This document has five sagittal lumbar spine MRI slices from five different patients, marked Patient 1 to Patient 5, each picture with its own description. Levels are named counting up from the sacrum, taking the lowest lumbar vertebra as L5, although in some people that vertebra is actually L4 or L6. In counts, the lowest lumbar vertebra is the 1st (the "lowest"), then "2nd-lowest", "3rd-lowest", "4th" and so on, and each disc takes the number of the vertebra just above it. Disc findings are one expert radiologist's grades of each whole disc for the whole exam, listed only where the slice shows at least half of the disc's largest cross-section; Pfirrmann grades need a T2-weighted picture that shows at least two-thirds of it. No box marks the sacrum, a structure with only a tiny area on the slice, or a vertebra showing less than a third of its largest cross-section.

Patient 1 of 5:
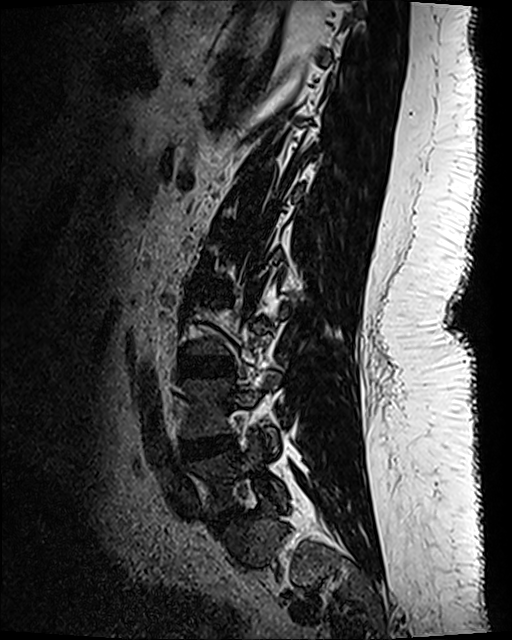

Slice 33/120, Patient sex: F, T2 SPACE (3D) sagittal MRI of the lumbar spine

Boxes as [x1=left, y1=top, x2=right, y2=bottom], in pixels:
L5/S1 (lowest disc) at [x1=209, y1=504, x2=238, y2=526], disc L4/L5 (2nd-lowest disc) at [x1=182, y1=436, x2=233, y2=460], L4 (2nd-lowest vertebra) at [x1=181, y1=372, x2=281, y2=452], L5 (lowest vertebra) at [x1=190, y1=440, x2=287, y2=512], disc L2/L3 (4th disc) at [x1=196, y1=280, x2=229, y2=296], disc L3/L4 (3rd-lowest disc) at [x1=180, y1=355, x2=233, y2=377].

Radiological gradings:
  L4/L5 (2nd-lowest disc): disc narrowing, disc bulging
  L3/L4 (3rd-lowest disc): no herniation, bulging, narrowing, spondylolisthesis, endplate or Modic change recorded

Patient 2 of 5:
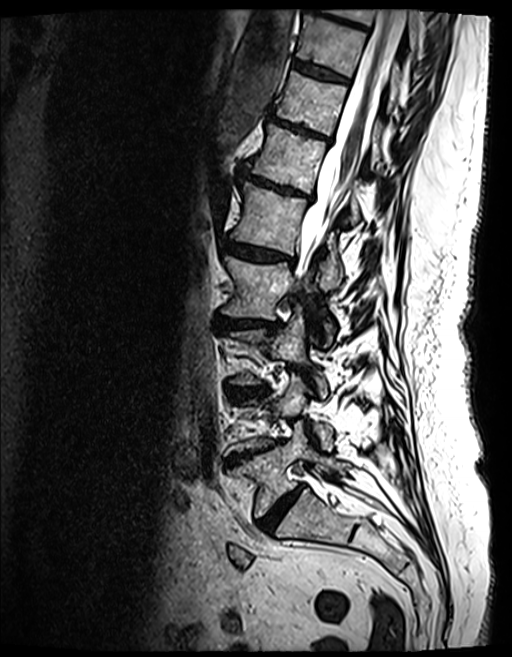 Sagittal slice index 59; Image 512x657; T2 SPACE (3D) sagittal MRI of the lumbar spine; Sex F

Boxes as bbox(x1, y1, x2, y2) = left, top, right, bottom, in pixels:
Annotations:
- L1 = bbox(232, 181, 341, 289)
- L2 = bbox(224, 256, 333, 342)
- T9 = bbox(328, 9, 416, 50)
- L5/S1 = bbox(261, 486, 302, 532)
- T12 vertebra = bbox(246, 125, 359, 224)
- T10 vertebra = bbox(297, 14, 398, 101)
- T11 vertebra = bbox(276, 72, 379, 163)
- intervertebral disc T12/L1 = bbox(240, 167, 309, 197)
- T11/T12 = bbox(269, 114, 331, 142)
- intervertebral disc L2/L3 = bbox(215, 315, 277, 331)
- L4/L5 = bbox(227, 441, 281, 464)
- L5 = bbox(230, 422, 347, 517)
- L3/L4 = bbox(230, 387, 264, 395)
- intervertebral disc L1/L2 = bbox(226, 242, 288, 260)
- spinal canal = bbox(296, 9, 405, 278)
- L3 = bbox(230, 310, 326, 397)
- T9/T10 = bbox(309, 1, 367, 30)
- intervertebral disc T10/T11 = bbox(293, 60, 348, 83)

Expert MSK radiologist gradings (per disc):
  T9/T10: Pfirrmann grade 4, Modic type II, disc bulging, lower-endplate change, upper-endplate change
  L1/L2: Pfirrmann grade 4, lower-endplate change, Modic type II, upper-endplate change, disc bulging, disc narrowing
  T11/T12: Pfirrmann grade 5, lower-endplate change, disc narrowing, Modic type II, upper-endplate change, disc bulging
  T12/L1: Pfirrmann grade 4, lower-endplate change, disc bulging, disc narrowing, upper-endplate change, Modic type II
  L2/L3: Pfirrmann grade 4, disc narrowing, Modic type II, disc bulging, lower-endplate change, upper-endplate change
  T10/T11: Pfirrmann grade 4, Modic type II, upper-endplate change, lower-endplate change
  L5/S1: disc narrowing, disc bulging

Patient 3 of 5:
512x512 px, Slice 13/17, Lumbar spine MR, T1-weighted, sagittal

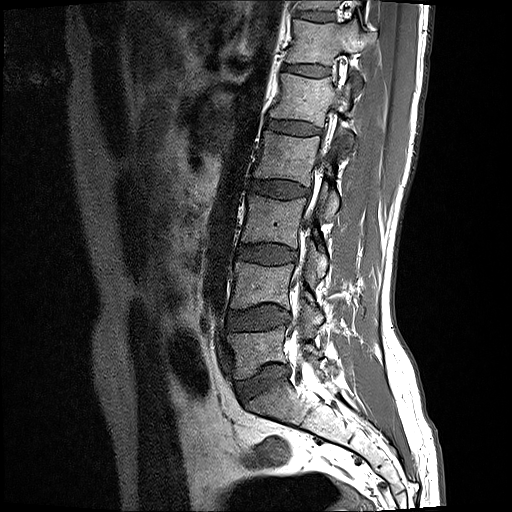
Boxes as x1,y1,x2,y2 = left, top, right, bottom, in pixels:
Segmented structures:
* lowest disc: 236,364,289,403
* 5th disc: 267,120,320,135
* 7th vertebra: 298,0,340,10
* 6th vertebra: 286,19,372,88
* 2nd-lowest vertebra: 231,261,324,324
* lowest vertebra: 227,326,322,379
* 5th vertebra: 270,73,354,153
* 3rd-lowest disc: 238,244,296,263
* 3rd-lowest vertebra: 241,190,328,277
* 4th vertebra: 253,131,339,219
* 6th disc: 283,64,329,76
* 7th disc: 297,11,334,21
* 4th disc: 251,180,309,198
* 2nd-lowest disc: 227,305,289,330
* thecal sac / spinal canal: 293,140,330,366

Degenerative findings by level:
• 3rd-lowest disc: disc bulging
• lowest disc: disc bulging
• 2nd-lowest disc: disc bulging
• 6th disc, 4th disc, 7th disc, 5th disc: no spondylolisthesis, narrowing, bulging, herniation, Modic or endplate change recorded

Patient 4 of 5:
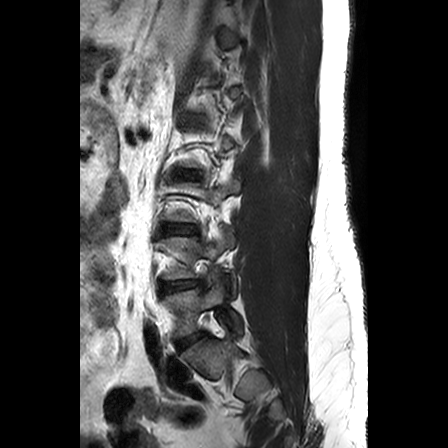

Patient sex: M, Lumbar spine MR, T2-weighted, sagittal, Image 448x448
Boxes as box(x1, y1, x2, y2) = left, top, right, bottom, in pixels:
L2/L3: box(183, 171, 195, 177).
L5: box(164, 277, 242, 337).
L4/L5: box(161, 280, 201, 294).
Disc L3/L4: box(163, 224, 197, 233).
L5/S1: box(176, 333, 203, 350).
L4 vertebra: box(162, 229, 236, 293).

Expert MSK radiologist gradings (per disc):
- L4/L5: no Modic or endplate change, herniation, narrowing, bulging or spondylolisthesis recorded

Patient 5 of 5:
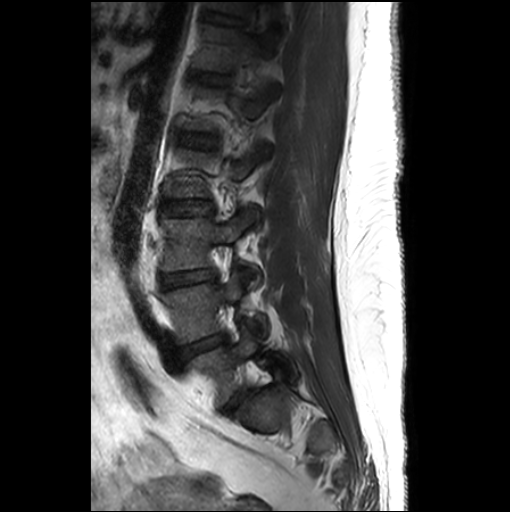

MRI lumbar spine (T2-weighted), sagittal plane; 510x512 px
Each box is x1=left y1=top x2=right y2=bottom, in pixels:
Segmented structures:
* L4: x1=161 y1=271 x2=267 y2=343
* T11 vertebra: x1=207 y1=2 x2=249 y2=14
* T12: x1=200 y1=23 x2=281 y2=95
* IVD L1/L2: x1=181 y1=132 x2=189 y2=142
* L3 vertebra: x1=161 y1=209 x2=259 y2=286
* IVD T11/T12: x1=204 y1=11 x2=245 y2=24
* L2/L3: x1=163 y1=200 x2=212 y2=215
* L3/L4: x1=160 y1=269 x2=215 y2=288
* L5/S1: x1=223 y1=388 x2=248 y2=414
* L4/L5: x1=176 y1=334 x2=225 y2=359
* L5 vertebra: x1=189 y1=327 x2=297 y2=405

Degenerative findings by level:
• L4/L5: disc bulging, disc narrowing
• L3/L4: Pfirrmann grade 3, disc narrowing, disc bulging
• L2/L3: Pfirrmann grade 1
• T11/T12: no spondylolisthesis, narrowing, bulging, herniation, Modic or endplate change recorded